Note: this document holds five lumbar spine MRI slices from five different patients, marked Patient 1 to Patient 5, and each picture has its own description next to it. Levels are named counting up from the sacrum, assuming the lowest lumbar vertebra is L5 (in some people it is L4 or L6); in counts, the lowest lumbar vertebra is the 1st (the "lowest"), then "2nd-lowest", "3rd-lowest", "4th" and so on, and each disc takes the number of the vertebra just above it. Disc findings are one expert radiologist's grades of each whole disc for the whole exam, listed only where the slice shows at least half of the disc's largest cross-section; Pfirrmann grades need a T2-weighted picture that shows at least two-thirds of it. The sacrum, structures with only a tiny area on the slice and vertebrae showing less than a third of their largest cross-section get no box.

Patient 1 of 5:
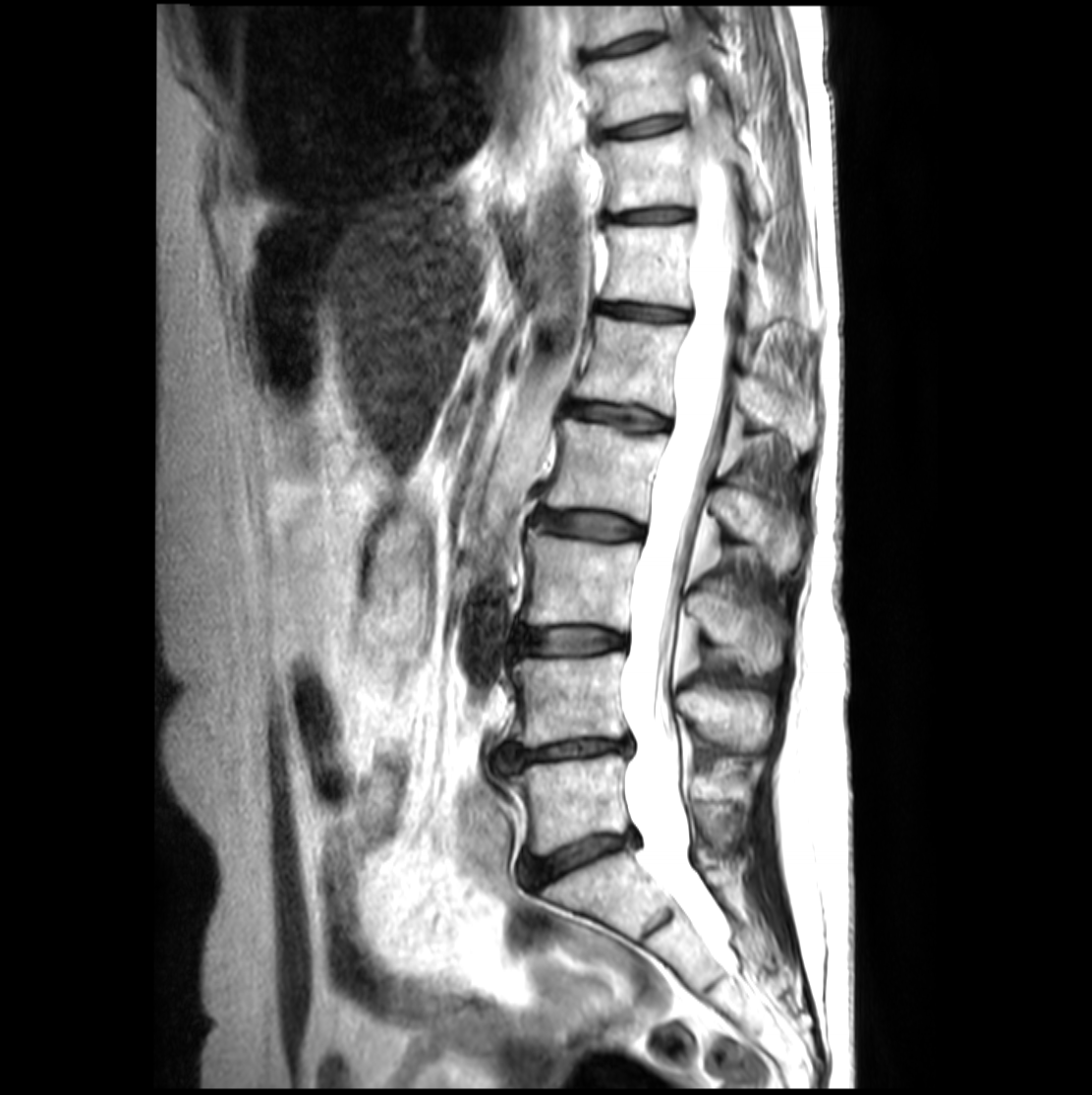

Lumbar spine MR, T2-weighted, sagittal.
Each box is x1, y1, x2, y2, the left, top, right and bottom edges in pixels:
T10 vertebra = 584, 28, 728, 126.
L2 = 544, 419, 800, 571.
Spinal canal = 622, 74, 737, 931.
Intervertebral disc T12/L1 = 601, 304, 685, 320.
T12 = 603, 224, 776, 329.
T11 vertebra = 598, 107, 766, 215.
Intervertebral disc L2/L3 = 537, 510, 641, 540.
T10/T11 = 594, 115, 683, 138.
Intervertebral disc L4/L5 = 494, 741, 627, 772.
L4 vertebra = 511, 654, 772, 750.
L1 vertebra = 573, 316, 816, 450.
Intervertebral disc L5/S1 = 521, 833, 635, 885.
Intervertebral disc T11/T12 = 603, 206, 689, 221.
L5 vertebra = 505, 753, 746, 853.
L3 vertebra = 523, 531, 782, 670.
L3/L4 = 517, 628, 624, 653.
L1/L2 = 567, 401, 666, 431.

Radiological gradings:
- T10/T11: Pfirrmann grade 3, lower-endplate change, upper-endplate change
- L1/L2: Pfirrmann grade 3, upper-endplate change, lower-endplate change
- T11/T12: Pfirrmann grade 3, upper-endplate change, lower-endplate change
- L3/L4: Pfirrmann grade 3, lower-endplate change, upper-endplate change
- T12/L1: Pfirrmann grade 3
- L2/L3: Pfirrmann grade 3, upper-endplate change, lower-endplate change
- L5/S1: Pfirrmann grade 4, disc bulging, disc narrowing
- L4/L5: Pfirrmann grade 4, disc herniation, lower-endplate change, disc bulging, upper-endplate change, disc narrowing

Patient 2 of 5:
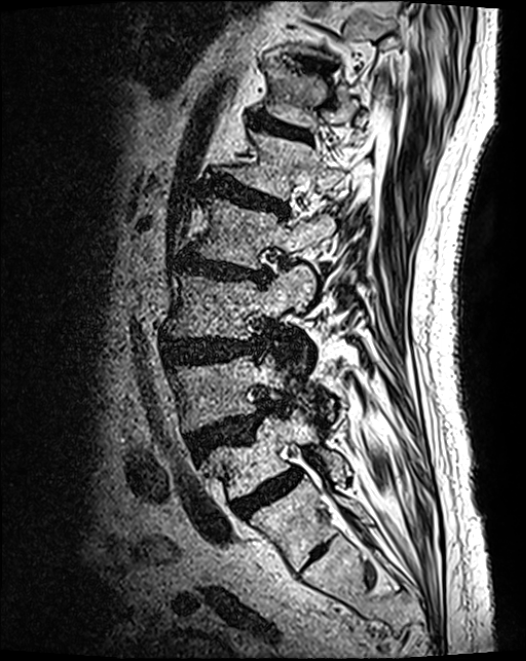 T2 SPACE (3D) sagittal MRI of the lumbar spine | Slice 43 of 124 | Field of view 240x302 mm, slice spacing 0.9 mm
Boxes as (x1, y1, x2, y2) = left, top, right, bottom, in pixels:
L1 at (228, 133, 344, 200), L2/L3 at (178, 255, 269, 283), L1/L2 at (210, 179, 286, 215), L2 vertebra at (193, 196, 334, 270), L4 at (170, 356, 286, 431), IVD L3/L4 at (163, 340, 259, 364), IVD L4/L5 at (188, 403, 271, 456), IVD T12/L1 at (254, 118, 309, 140), IVD L5/S1 at (233, 470, 301, 517), L3 vertebra at (165, 268, 313, 367), L5 at (205, 410, 345, 499), T12 vertebra at (268, 73, 367, 130).

Radiological gradings:
- L2/L3: Pfirrmann grade 4, disc narrowing, disc bulging, upper-endplate change, lower-endplate change
- T12/L1: Pfirrmann grade 3
- L1/L2: Pfirrmann grade 4, disc bulging, upper-endplate change, lower-endplate change
- L4/L5: Pfirrmann grade 4, spondylolisthesis, upper-endplate change, disc herniation
- L3/L4: Pfirrmann grade 4, disc bulging
- L5/S1: Pfirrmann grade 4

Patient 3 of 5:
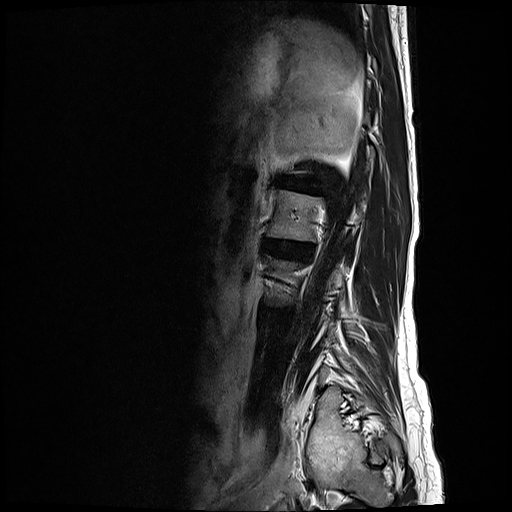

512x512 px, Field of view 300x300 mm, MRI lumbar spine (T2-weighted), sagittal plane, Slice 3 of 25

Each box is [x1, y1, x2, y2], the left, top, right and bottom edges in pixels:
{"L2": "[266, 190, 362, 241]", "IVD L1/L2": "[278, 177, 317, 190]", "L2/L3": "[263, 239, 312, 255]"}

Radiological gradings:
- L2/L3: Pfirrmann grade 3, disc bulging, disc narrowing
- L1/L2: upper-endplate change, disc narrowing, disc bulging, Modic type II, lower-endplate change

Patient 4 of 5:
Lumbar spine MR, T1-weighted, sagittal, Slice 11/27, Scanner: Philips Healthcare Ingenia (3T)

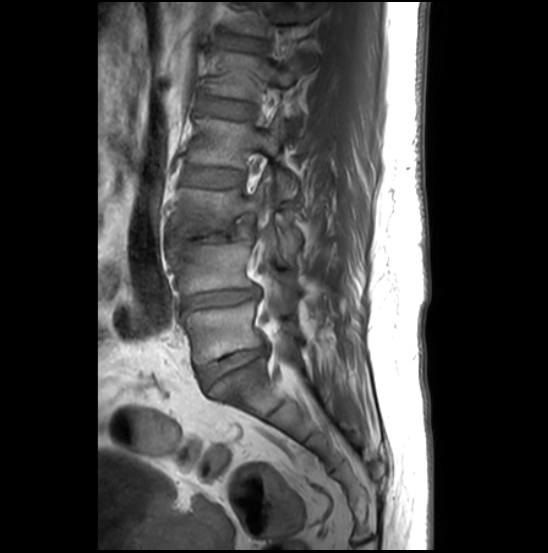 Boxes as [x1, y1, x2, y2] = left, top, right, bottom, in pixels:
Structures:
- T12/L1: [223, 37, 267, 51]
- L2 vertebra: [190, 118, 298, 199]
- L4 vertebra: [169, 239, 300, 293]
- L3: [171, 181, 301, 256]
- L5/S1: [201, 346, 267, 386]
- L2/L3: [184, 168, 243, 186]
- L1: [203, 53, 303, 132]
- L5 vertebra: [187, 301, 300, 363]
- IVD L4/L5: [184, 286, 260, 310]
- spinal canal: [257, 252, 284, 351]
- IVD L3/L4: [166, 225, 255, 247]
- T12: [233, 3, 320, 72]
- L1/L2: [201, 99, 255, 118]

Expert MSK radiologist gradings (per disc):
  L4/L5: upper-endplate change, disc bulging, disc narrowing, Modic type II, lower-endplate change
  L3/L4: lower-endplate change, Modic type II, upper-endplate change, disc herniation, disc narrowing, spondylolisthesis
  L5/S1: disc narrowing, lower-endplate change, Modic type II, disc bulging, upper-endplate change
  L2/L3, L1/L2, T12/L1: no herniation, bulging, narrowing, spondylolisthesis, endplate or Modic change recorded

Patient 5 of 5:
T2-weighted sagittal MRI of the lumbar spine | Sagittal slice index 22 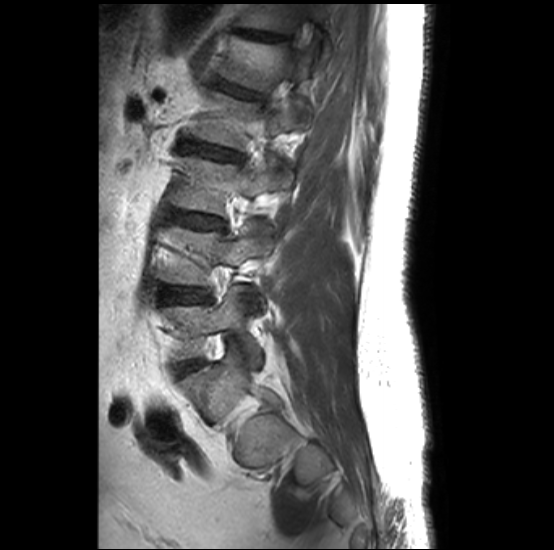 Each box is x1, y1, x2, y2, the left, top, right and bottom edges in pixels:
{"L5 vertebra": "164, 286, 261, 364", "intervertebral disc L4/L5": "164, 287, 208, 303", "L2": "191, 91, 305, 150", "intervertebral disc L3/L4": "173, 213, 226, 229", "intervertebral disc L5/S1": "175, 363, 198, 375", "T12/L1": "235, 28, 289, 41", "L1 vertebra": "220, 35, 317, 91", "L2/L3": "181, 140, 242, 160", "L3": "172, 155, 292, 216", "T12": "237, 3, 331, 58", "intervertebral disc L1/L2": "217, 82, 263, 99", "L4": "160, 223, 271, 285"}

Expert MSK radiologist gradings (per disc):
- L3/L4: Modic type II, upper-endplate change, lower-endplate change
- T12/L1: upper-endplate change, spondylolisthesis
- L2/L3: upper-endplate change, lower-endplate change, Modic type II